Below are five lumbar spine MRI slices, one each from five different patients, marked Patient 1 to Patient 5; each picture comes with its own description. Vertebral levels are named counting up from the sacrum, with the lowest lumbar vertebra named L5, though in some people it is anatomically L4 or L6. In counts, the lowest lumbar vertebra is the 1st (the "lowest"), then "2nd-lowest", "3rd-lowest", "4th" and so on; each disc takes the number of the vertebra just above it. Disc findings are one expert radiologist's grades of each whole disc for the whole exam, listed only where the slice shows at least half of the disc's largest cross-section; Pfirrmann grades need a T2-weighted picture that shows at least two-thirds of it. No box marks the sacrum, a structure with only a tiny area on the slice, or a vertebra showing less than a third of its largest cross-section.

Patient 1 of 5:
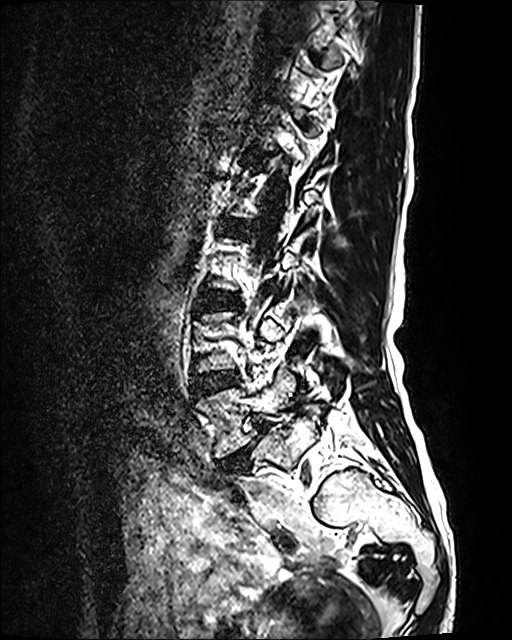 Lumbar spine MR, T2 SPACE (3D), sagittal; 512x640 px; Slice 36 of 120; Sex F

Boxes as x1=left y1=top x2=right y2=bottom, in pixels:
- IVD L2/L3: x1=219 y1=218 x2=251 y2=233
- L5: x1=194 y1=368 x2=294 y2=458
- IVD L5/S1: x1=219 y1=422 x2=267 y2=468
- L4: x1=194 y1=312 x2=289 y2=372
- L3/L4: x1=200 y1=290 x2=239 y2=308
- L4/L5: x1=190 y1=371 x2=239 y2=397

Per-level radiological findings:
- L4/L5: no herniation, bulging, narrowing, spondylolisthesis, endplate or Modic change recorded

Patient 2 of 5:
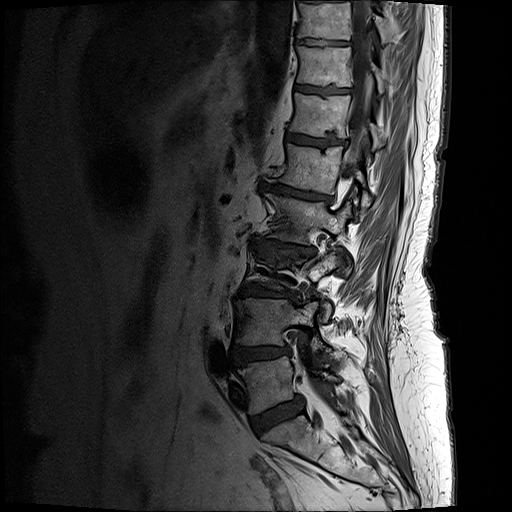 Slice 7 of 21, Sex F, T1-weighted sagittal MRI of the lumbar spine

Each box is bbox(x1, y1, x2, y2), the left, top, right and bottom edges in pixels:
4th disc: bbox(247, 236, 316, 256).
3rd-lowest disc: bbox(237, 282, 295, 301).
8th disc: bbox(298, 39, 333, 46).
5th disc: bbox(260, 182, 329, 201).
2nd-lowest vertebra: bbox(233, 298, 325, 348).
7th disc: bbox(296, 86, 342, 94).
Thecal sac / spinal canal: bbox(342, 0, 370, 179).
6th vertebra: bbox(289, 92, 383, 149).
7th vertebra: bbox(297, 47, 384, 94).
2nd-lowest disc: bbox(231, 346, 290, 366).
5th vertebra: bbox(271, 143, 371, 208).
3rd-lowest vertebra: bbox(256, 249, 334, 321).
4th vertebra: bbox(265, 193, 350, 273).
6th disc: bbox(286, 135, 346, 146).
Lowest vertebra: bbox(237, 356, 339, 414).
8th vertebra: bbox(298, 0, 417, 50).
Lowest disc: bbox(250, 396, 304, 434).

Per-level radiological findings:
  lowest disc: disc bulging
  7th disc: upper-endplate change, lower-endplate change
  6th disc: upper-endplate change, Modic type II, lower-endplate change
  4th disc: Modic type II, disc bulging, lower-endplate change, upper-endplate change, disc narrowing
  3rd-lowest disc: upper-endplate change, Modic type II, disc narrowing, disc bulging, lower-endplate change
  5th disc: disc narrowing, Modic type II, upper-endplate change, lower-endplate change, disc bulging
  8th disc: lower-endplate change, upper-endplate change
  2nd-lowest disc: upper-endplate change, lower-endplate change, disc bulging

Patient 3 of 5:
Field of view 280x289 mm, slice spacing 3.3 mm. Lumbar spine MR, T1-weighted, sagittal. 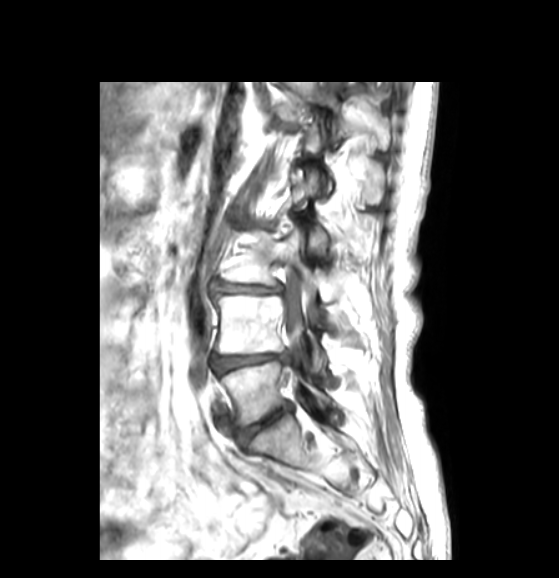

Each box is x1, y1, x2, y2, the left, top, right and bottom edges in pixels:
{"spinal canal": "282, 81, 342, 340", "L2 vertebra": "295, 168, 379, 256", "intervertebral disc L4/L5": "212, 352, 287, 372", "intervertebral disc L3/L4": "217, 282, 281, 292", "intervertebral disc L5/S1": "238, 406, 290, 444", "L4 vertebra": "217, 295, 326, 374", "L3 vertebra": "223, 225, 354, 302", "T12 vertebra": "273, 81, 390, 148", "L5": "221, 360, 331, 425"}

Per-level radiological findings:
  L4/L5: disc bulging
  L5/S1: disc bulging, disc narrowing
  L3/L4: disc narrowing, disc bulging

Patient 4 of 5:
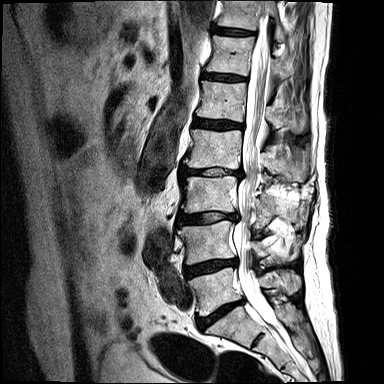 Patient sex: M. Image 384x384. Lumbar spine MR, T2-weighted, sagittal.

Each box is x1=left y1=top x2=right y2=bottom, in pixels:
L2/L3 at x1=180 y1=167 x2=242 y2=175, L4 vertebra at x1=177 y1=221 x2=298 y2=264, L5 at x1=187 y1=268 x2=300 y2=316, T11/T12 at x1=212 y1=26 x2=254 y2=36, L3 at x1=181 y1=176 x2=295 y2=225, L1/L2 at x1=193 y1=118 x2=242 y2=129, spinal canal at x1=234 y1=11 x2=275 y2=325, L1 at x1=196 y1=80 x2=305 y2=133, IVD L3/L4 at x1=177 y1=212 x2=236 y2=225, T12 vertebra at x1=206 y1=35 x2=288 y2=78, IVD L4/L5 at x1=184 y1=259 x2=236 y2=277, IVD L5/S1 at x1=196 y1=300 x2=243 y2=331, L2 at x1=182 y1=128 x2=307 y2=182, IVD T12/L1 at x1=202 y1=72 x2=247 y2=81, T11 at x1=217 y1=0 x2=286 y2=42.

Per-level radiological findings:
• L4/L5: Pfirrmann grade 4, disc narrowing, lower-endplate change, Modic type II, disc bulging
• T12/L1: Pfirrmann grade 4, disc narrowing, Modic type II
• L1/L2: Pfirrmann grade 4, lower-endplate change, Modic type II, disc narrowing, disc bulging
• L5/S1: Pfirrmann grade 4, disc narrowing, Modic type II, disc bulging
• T11/T12: Pfirrmann grade 4, disc narrowing, upper-endplate change, lower-endplate change, Modic type II
• L2/L3: Pfirrmann grade 4, lower-endplate change, Modic type II, disc narrowing, disc herniation
• L3/L4: Pfirrmann grade 4, lower-endplate change, disc narrowing, upper-endplate change, disc herniation, Modic type II

Patient 5 of 5:
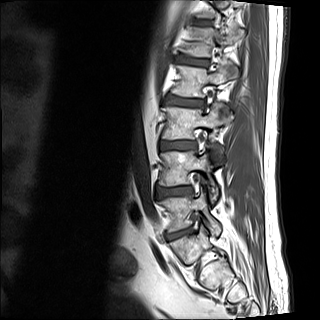
T1-weighted sagittal MRI of the lumbar spine | Sex M | Slice 4 of 15

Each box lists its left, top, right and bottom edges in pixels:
Intervertebral disc L1/L2 at left=178, top=56, right=208, bottom=66; L3 at left=162, top=104, right=230, bottom=139; L3/L4 at left=160, top=141, right=195, bottom=149; intervertebral disc L4/L5 at left=157, top=187, right=191, bottom=198; L5 at left=160, top=188, right=220, bottom=235; L2 at left=172, top=65, right=236, bottom=97; intervertebral disc L2/L3 at left=165, top=96, right=203, bottom=107; intervertebral disc L5/S1 at left=168, top=229, right=191, bottom=238; L4 at left=159, top=146, right=218, bottom=198; L1 at left=185, top=28, right=244, bottom=57.

Radiological gradings:
  L1/L2: Modic type II, upper-endplate change, lower-endplate change
  L4/L5: upper-endplate change, lower-endplate change, disc bulging
  L2/L3: Modic type II, lower-endplate change, disc bulging, upper-endplate change
  L3/L4: no spondylolisthesis, narrowing, bulging, herniation, Modic or endplate change recorded